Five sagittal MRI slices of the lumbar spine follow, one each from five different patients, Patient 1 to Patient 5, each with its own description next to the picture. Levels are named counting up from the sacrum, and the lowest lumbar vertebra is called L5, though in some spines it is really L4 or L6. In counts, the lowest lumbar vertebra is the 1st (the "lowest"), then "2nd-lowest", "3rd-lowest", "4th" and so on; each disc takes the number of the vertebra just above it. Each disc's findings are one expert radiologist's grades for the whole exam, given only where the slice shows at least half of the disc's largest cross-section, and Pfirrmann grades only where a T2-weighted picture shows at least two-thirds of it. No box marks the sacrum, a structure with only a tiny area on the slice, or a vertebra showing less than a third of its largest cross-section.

Patient 1 of 5:
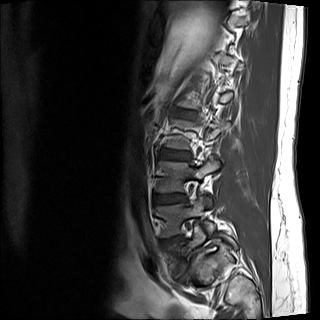 Sex M, T1-weighted sagittal MRI of the lumbar spine, Image 320x320, Slice 3 of 15

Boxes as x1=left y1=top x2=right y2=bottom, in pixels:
* L3/L4 at x1=154 y1=193 x2=185 y2=205
* L2/L3 at x1=160 y1=149 x2=190 y2=160
* disc L1/L2 at x1=176 y1=108 x2=191 y2=118
* L4 vertebra at x1=157 y1=195 x2=215 y2=237
* L5 vertebra at x1=168 y1=223 x2=237 y2=267
* L4/L5 at x1=161 y1=236 x2=178 y2=246
* L3 at x1=156 y1=158 x2=219 y2=192

Per-level radiological findings:
• L3/L4: disc bulging
• L2/L3: disc bulging

Patient 2 of 5:
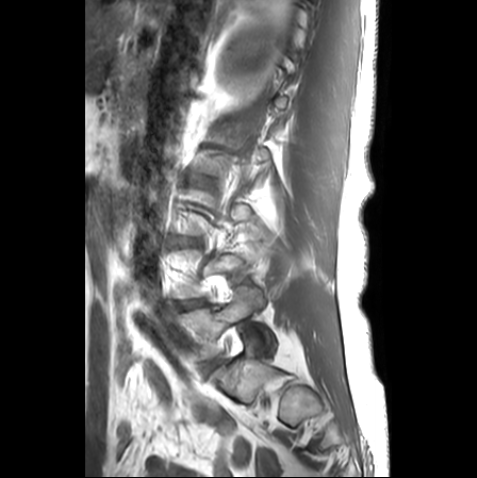 477x478 px. Sex F. Lumbar spine MR, T1-weighted, sagittal.
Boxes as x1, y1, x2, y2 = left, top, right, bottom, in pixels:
3rd-lowest disc — 184, 239, 195, 244 | 2nd-lowest disc — 174, 300, 204, 308 | lowest vertebra — 180, 287, 264, 357

Patient 3 of 5:
T2-weighted sagittal MRI of the lumbar spine, Slice 14 of 26, Field of view 280x280 mm
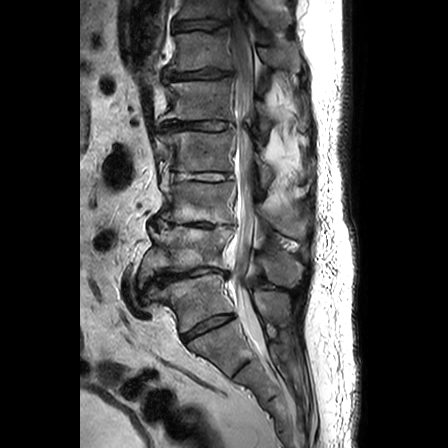

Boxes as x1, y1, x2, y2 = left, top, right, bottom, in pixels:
5th disc: 162, 121, 231, 130.
4th disc: 166, 173, 233, 180.
Lowest vertebra: 158, 274, 289, 332.
6th vertebra: 168, 29, 300, 71.
Lowest disc: 183, 315, 233, 341.
5th vertebra: 160, 78, 274, 133.
4th vertebra: 154, 130, 272, 187.
3rd-lowest vertebra: 160, 182, 307, 238.
3rd-lowest disc: 152, 218, 232, 228.
7th vertebra: 176, 0, 293, 29.
7th disc: 173, 20, 224, 31.
2nd-lowest disc: 146, 267, 228, 287.
6th disc: 163, 70, 231, 81.
Thecal sac / spinal canal: 229, 0, 262, 343.
2nd-lowest vertebra: 139, 226, 302, 286.

Degenerative findings by level:
  7th disc: Pfirrmann grade 3, disc bulging, upper-endplate change, disc narrowing
  2nd-lowest disc: Pfirrmann grade 5, disc herniation, Modic type II, disc bulging, disc narrowing
  5th disc: Pfirrmann grade 4, disc bulging, disc narrowing
  6th disc: Pfirrmann grade 4, disc bulging, disc narrowing, disc herniation
  lowest disc: Pfirrmann grade 4, disc narrowing
  4th disc: Pfirrmann grade 4, disc narrowing, disc bulging
  3rd-lowest disc: Pfirrmann grade 5, Modic type II, disc herniation, disc narrowing, disc bulging

Patient 4 of 5:
Slice 4 of 15. Lumbar spine MR, T2-weighted, sagittal.
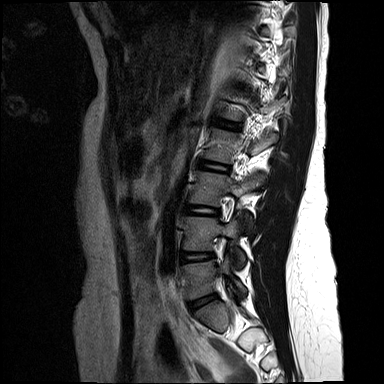 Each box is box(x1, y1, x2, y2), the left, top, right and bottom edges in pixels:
L4 (2nd-lowest vertebra) at box(184, 217, 246, 267); IVD L4/L5 (2nd-lowest disc) at box(182, 253, 214, 262); L5/S1 (lowest disc) at box(191, 295, 217, 310); IVD L2/L3 (4th disc) at box(198, 161, 228, 172); L1/L2 (5th disc) at box(216, 120, 237, 128); L3/L4 (3rd-lowest disc) at box(186, 206, 218, 215); L5 (lowest vertebra) at box(184, 257, 246, 300); L3 (3rd-lowest vertebra) at box(191, 173, 265, 234); L2 (4th vertebra) at box(205, 130, 278, 162).

Per-level radiological findings:
• L3/L4 (3rd-lowest disc): Pfirrmann grade 1
• L2/L3 (4th disc): Pfirrmann grade 1
• L4/L5 (2nd-lowest disc), L1/L2 (5th disc): no herniation, bulging, narrowing, spondylolisthesis, endplate or Modic change recorded

Patient 5 of 5:
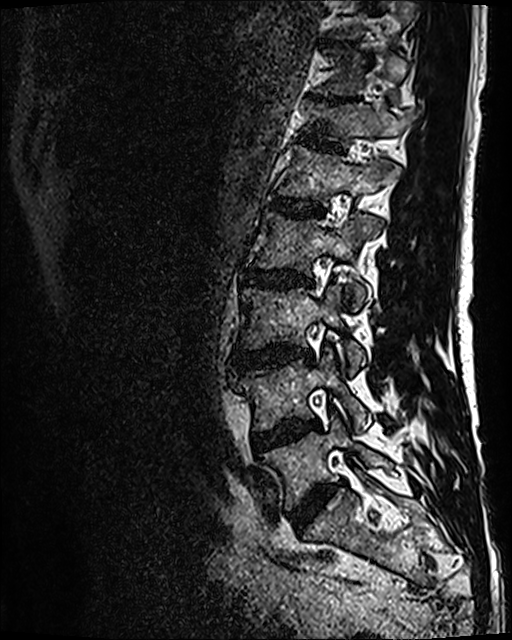 Slice 44/120; Lumbar spine MR, T2 SPACE (3D), sagittal; Slice spacing 0.9 mm

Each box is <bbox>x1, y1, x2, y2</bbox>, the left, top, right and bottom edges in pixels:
* L2 (4th vertebra) = <bbox>256, 212, 380, 310</bbox>
* IVD T11/T12 (7th disc) = <bbox>315, 97, 344, 103</bbox>
* IVD L4/L5 (2nd-lowest disc) = <bbox>252, 421, 320, 450</bbox>
* L1 (5th vertebra) = <bbox>279, 145, 385, 205</bbox>
* L2/L3 (4th disc) = <bbox>246, 269, 311, 290</bbox>
* IVD T12/L1 (6th disc) = <bbox>294, 133, 341, 152</bbox>
* L1/L2 (5th disc) = <bbox>270, 195, 323, 217</bbox>
* IVD L5/S1 (lowest disc) = <bbox>289, 484, 335, 529</bbox>
* L4 (2nd-lowest vertebra) = <bbox>232, 350, 370, 429</bbox>
* T11 (7th vertebra) = <bbox>315, 50, 407, 105</bbox>
* L3 (3rd-lowest vertebra) = <bbox>240, 282, 364, 374</bbox>
* T12 (6th vertebra) = <bbox>301, 103, 411, 146</bbox>
* T10/T11 (8th disc) = <bbox>329, 42, 356, 46</bbox>
* L5 (lowest vertebra) = <bbox>260, 417, 385, 510</bbox>
* L3/L4 (3rd-lowest disc) = <bbox>233, 346, 312, 371</bbox>

Per-level radiological findings:
  L4/L5 (2nd-lowest disc): Pfirrmann grade 3, Modic type II, disc bulging
  L2/L3 (4th disc): Pfirrmann grade 3, disc bulging, Modic type II
  L3/L4 (3rd-lowest disc): Pfirrmann grade 4, disc bulging, disc narrowing, Modic type II
  L5/S1 (lowest disc): Pfirrmann grade 4, disc narrowing, disc bulging
  L1/L2 (5th disc): no herniation, bulging, narrowing, spondylolisthesis, endplate or Modic change recorded